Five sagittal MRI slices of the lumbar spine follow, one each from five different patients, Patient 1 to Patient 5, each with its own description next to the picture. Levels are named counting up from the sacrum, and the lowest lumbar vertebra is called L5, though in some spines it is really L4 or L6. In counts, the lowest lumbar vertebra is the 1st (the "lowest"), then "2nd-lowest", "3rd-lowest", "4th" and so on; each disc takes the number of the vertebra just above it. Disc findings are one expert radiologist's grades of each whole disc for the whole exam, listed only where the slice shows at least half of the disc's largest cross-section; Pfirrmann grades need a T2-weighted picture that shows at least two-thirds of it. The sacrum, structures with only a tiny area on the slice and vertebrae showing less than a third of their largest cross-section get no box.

Patient 1 of 5:
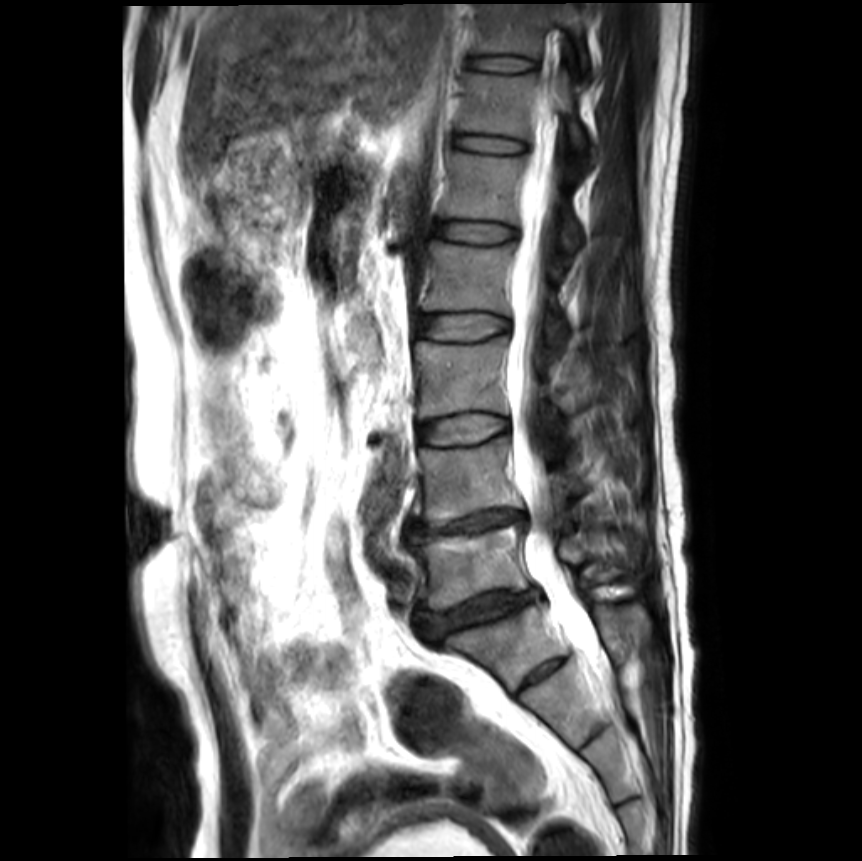 Sagittal T2-weighted lumbar spine MRI, 862x861 px
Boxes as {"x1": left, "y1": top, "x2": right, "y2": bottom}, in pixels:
{"disc L3/L4 (3rd-lowest disc)": {"x1": 417, "y1": 413, "x2": 508, "y2": 444}, "L3 (3rd-lowest vertebra)": {"x1": 413, "y1": 336, "x2": 582, "y2": 417}, "disc L4/L5 (2nd-lowest disc)": {"x1": 406, "y1": 508, "x2": 525, "y2": 533}, "disc L1/L2 (5th disc)": {"x1": 433, "y1": 221, "x2": 516, "y2": 242}, "L1 (5th vertebra)": {"x1": 440, "y1": 151, "x2": 580, "y2": 251}, "T11 (7th vertebra)": {"x1": 474, "y1": 2, "x2": 590, "y2": 63}, "spinal canal": {"x1": 506, "y1": 91, "x2": 607, "y2": 693}, "L2 (4th vertebra)": {"x1": 422, "y1": 241, "x2": 567, "y2": 340}, "L2/L3 (4th disc)": {"x1": 415, "y1": 313, "x2": 508, "y2": 339}, "T12 (6th vertebra)": {"x1": 460, "y1": 71, "x2": 585, "y2": 149}, "L4 (2nd-lowest vertebra)": {"x1": 412, "y1": 437, "x2": 584, "y2": 526}, "disc L5/S1 (lowest disc)": {"x1": 417, "y1": 588, "x2": 538, "y2": 643}, "L5 (lowest vertebra)": {"x1": 406, "y1": 525, "x2": 620, "y2": 608}, "disc T12/L1 (6th disc)": {"x1": 454, "y1": 134, "x2": 525, "y2": 152}, "T11/T12 (7th disc)": {"x1": 469, "y1": 55, "x2": 533, "y2": 70}}

Radiological gradings:
  L5/S1 (lowest disc): Pfirrmann grade 4, spondylolisthesis, lower-endplate change, disc bulging, upper-endplate change, disc narrowing
  T11/T12 (7th disc): Pfirrmann grade 1
  L4/L5 (2nd-lowest disc): Pfirrmann grade 5, lower-endplate change, disc narrowing, Modic type II, disc bulging, upper-endplate change
  L2/L3 (4th disc): Pfirrmann grade 1
  T12/L1 (6th disc): Pfirrmann grade 1
  L1/L2 (5th disc): Pfirrmann grade 1
  L3/L4 (3rd-lowest disc): Pfirrmann grade 1

Patient 2 of 5:
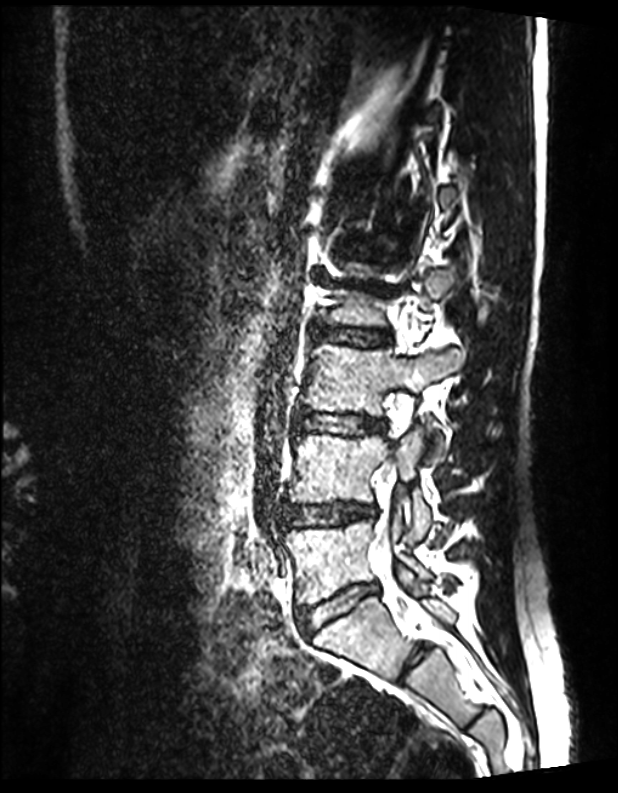 Slice spacing 0.9 mm. MRI lumbar spine (T2 SPACE (3D)), sagittal plane. 618x793 px.

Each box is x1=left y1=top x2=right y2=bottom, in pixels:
L3: x1=303 y1=344 x2=463 y2=462.
L5/S1: x1=298 y1=584 x2=378 y2=634.
L5: x1=286 y1=521 x2=430 y2=604.
L2/L3: x1=309 y1=324 x2=391 y2=346.
L4: x1=290 y1=433 x2=432 y2=538.
Disc L1/L2: x1=337 y1=241 x2=379 y2=258.
Thecal sac / spinal canal: x1=372 y1=457 x2=402 y2=607.
L3/L4: x1=295 y1=411 x2=384 y2=436.
L2 vertebra: x1=320 y1=258 x2=470 y2=325.
Disc L4/L5: x1=284 y1=502 x2=373 y2=526.

Per-level radiological findings:
  L3/L4: Pfirrmann grade 1
  L4/L5: Pfirrmann grade 1
  L2/L3: Pfirrmann grade 1
  L5/S1: Pfirrmann grade 1

Patient 3 of 5:
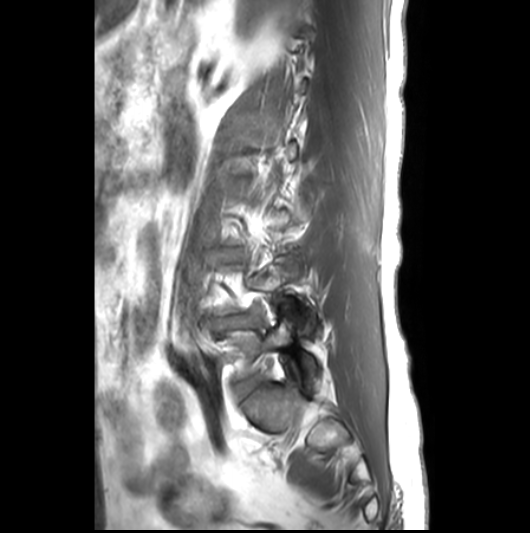
MRI lumbar spine (T1-weighted), sagittal plane; Patient sex: M

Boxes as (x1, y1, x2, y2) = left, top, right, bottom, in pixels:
* disc L4/L5: (216, 314, 259, 328)
* disc L3/L4: (222, 249, 241, 260)
* L5 vertebra: (226, 307, 318, 387)
* L5/S1: (238, 377, 261, 398)

Patient 4 of 5:
MRI lumbar spine (T2 SPACE (3D)), sagittal plane, Patient sex: F 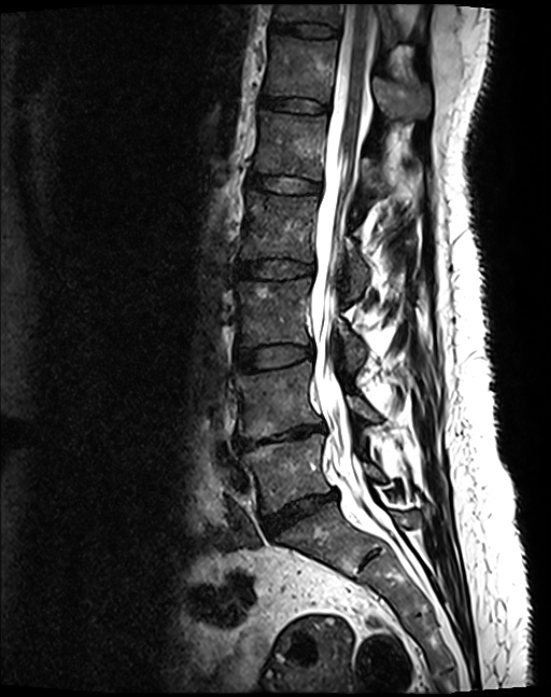 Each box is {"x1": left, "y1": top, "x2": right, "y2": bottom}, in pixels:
Annotations:
• T11 vertebra — {"x1": 276, "y1": 4, "x2": 398, "y2": 49}
• thecal sac / spinal canal — {"x1": 310, "y1": 4, "x2": 378, "y2": 516}
• L5/S1 — {"x1": 263, "y1": 492, "x2": 337, "y2": 534}
• L3 — {"x1": 235, "y1": 280, "x2": 366, "y2": 365}
• L1 vertebra — {"x1": 254, "y1": 111, "x2": 422, "y2": 199}
• L2 — {"x1": 239, "y1": 191, "x2": 416, "y2": 295}
• T12 — {"x1": 264, "y1": 35, "x2": 429, "y2": 117}
• L4/L5 — {"x1": 235, "y1": 426, "x2": 323, "y2": 451}
• intervertebral disc L3/L4 — {"x1": 236, "y1": 344, "x2": 312, "y2": 371}
• intervertebral disc T12/L1 — {"x1": 259, "y1": 96, "x2": 327, "y2": 112}
• L5 — {"x1": 244, "y1": 434, "x2": 385, "y2": 513}
• intervertebral disc L2/L3 — {"x1": 236, "y1": 260, "x2": 312, "y2": 279}
• intervertebral disc L1/L2 — {"x1": 248, "y1": 175, "x2": 319, "y2": 192}
• T11/T12 — {"x1": 272, "y1": 22, "x2": 338, "y2": 36}
• L4 — {"x1": 235, "y1": 361, "x2": 379, "y2": 438}

Per-level radiological findings:
  L3/L4: Pfirrmann grade 2
  T12/L1: Pfirrmann grade 2
  L4/L5: Pfirrmann grade 5, lower-endplate change, upper-endplate change, disc narrowing, disc bulging, Modic type II
  L1/L2: Pfirrmann grade 2
  L2/L3: Pfirrmann grade 2
  L5/S1: Pfirrmann grade 4, disc narrowing, disc bulging
  T11/T12: Pfirrmann grade 2

Patient 5 of 5:
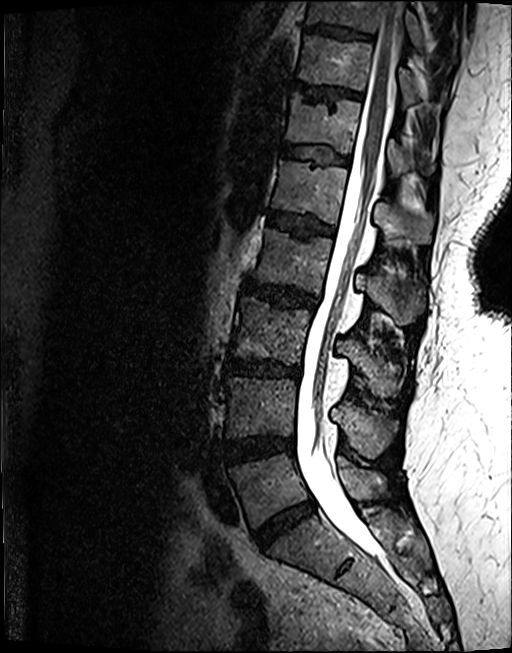 Sagittal T2 SPACE (3D) lumbar spine MRI

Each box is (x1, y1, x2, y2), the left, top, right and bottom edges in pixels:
Structures:
* L5/S1 (lowest disc) at (253, 501, 314, 548)
* T10 (8th vertebra) at (307, 0, 423, 45)
* T12 (6th vertebra) at (285, 93, 434, 175)
* disc T12/L1 (6th disc) at (282, 144, 349, 163)
* L3 (3rd-lowest vertebra) at (230, 296, 399, 395)
* disc T10/T11 (8th disc) at (306, 24, 372, 38)
* thecal sac / spinal canal at (296, 0, 403, 553)
* L1/L2 (5th disc) at (268, 211, 333, 236)
* disc T11/T12 (7th disc) at (293, 81, 361, 100)
* L1 (5th vertebra) at (271, 160, 433, 243)
* L4/L5 (2nd-lowest disc) at (224, 435, 293, 462)
* L3/L4 (3rd-lowest disc) at (227, 360, 300, 377)
* L2 (4th vertebra) at (251, 228, 421, 324)
* disc L2/L3 (4th disc) at (243, 279, 316, 307)
* T11 (7th vertebra) at (298, 33, 415, 104)
* L4 (2nd-lowest vertebra) at (226, 377, 394, 457)
* L5 (lowest vertebra) at (229, 452, 386, 527)

Radiological gradings:
  L5/S1 (lowest disc): Pfirrmann grade 4, disc bulging, disc narrowing
  L4/L5 (2nd-lowest disc): Pfirrmann grade 4, disc bulging, Modic type II, lower-endplate change
  T11/T12 (7th disc): Pfirrmann grade 4, upper-endplate change
  L3/L4 (3rd-lowest disc): Pfirrmann grade 4, upper-endplate change, disc narrowing, disc bulging, lower-endplate change, Modic type II
  T12/L1 (6th disc): Pfirrmann grade 3, upper-endplate change, lower-endplate change
  L2/L3 (4th disc): Pfirrmann grade 4, disc bulging, lower-endplate change, upper-endplate change
  T10/T11 (8th disc): Pfirrmann grade 4, lower-endplate change, upper-endplate change
  L1/L2 (5th disc): Pfirrmann grade 4, Modic type II, lower-endplate change, upper-endplate change